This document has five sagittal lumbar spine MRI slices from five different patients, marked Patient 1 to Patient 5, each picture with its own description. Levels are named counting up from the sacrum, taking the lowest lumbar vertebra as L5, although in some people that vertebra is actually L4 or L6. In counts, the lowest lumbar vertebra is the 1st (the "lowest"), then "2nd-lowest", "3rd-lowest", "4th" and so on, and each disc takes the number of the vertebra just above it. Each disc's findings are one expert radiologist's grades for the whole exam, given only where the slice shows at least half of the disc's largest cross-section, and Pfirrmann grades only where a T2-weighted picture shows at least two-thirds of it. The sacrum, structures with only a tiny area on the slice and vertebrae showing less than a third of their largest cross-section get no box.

Patient 1 of 5:
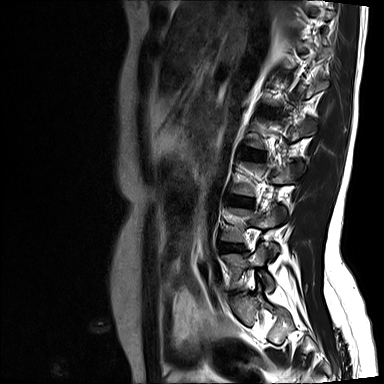 MRI lumbar spine (T2-weighted), sagittal plane. Patient sex: F.
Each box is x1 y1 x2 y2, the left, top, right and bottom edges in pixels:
L4/L5 = 218 242 241 250.
L5 = 225 245 274 285.
L4 = 222 208 281 261.
Disc L3/L4 = 229 196 251 205.

Patient 2 of 5:
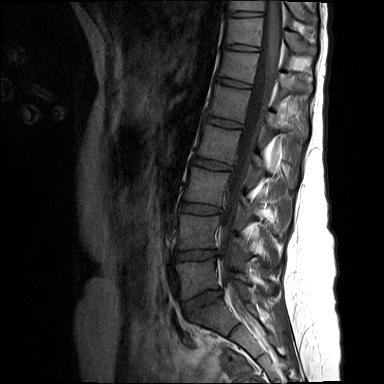 T1-weighted sagittal MRI of the lumbar spine, Slice 9 of 15
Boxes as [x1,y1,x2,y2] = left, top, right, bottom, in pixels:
L4 (2nd-lowest vertebra) at [178,214,251,254], spinal canal at [219,0,282,311], L1 (5th vertebra) at [210,84,307,141], L2 (4th vertebra) at [197,124,298,188], L4/L5 (2nd-lowest disc) at [175,250,216,260], intervertebral disc L5/S1 (lowest disc) at [183,291,220,315], L3 (3rd-lowest vertebra) at [184,167,254,215], intervertebral disc T12/L1 (6th disc) at [217,78,251,88], intervertebral disc T11/T12 (7th disc) at [224,44,258,51], T10 (8th vertebra) at [229,0,312,21], T12 (6th vertebra) at [220,51,311,93], L5 (lowest vertebra) at [176,259,250,299], L2/L3 (4th disc) at [192,157,229,170], intervertebral disc T10/T11 (8th disc) at [230,12,262,16], L3/L4 (3rd-lowest disc) at [181,202,220,214], L1/L2 (5th disc) at [205,117,241,128], T11 (7th vertebra) at [225,18,316,56].

Per-level radiological findings:
  T11/T12 (7th disc), L4/L5 (2nd-lowest disc), L1/L2 (5th disc), T10/T11 (8th disc), T12/L1 (6th disc), L2/L3 (4th disc), L5/S1 (lowest disc), L3/L4 (3rd-lowest disc): no herniation, bulging, narrowing, spondylolisthesis, endplate or Modic change recorded

Patient 3 of 5:
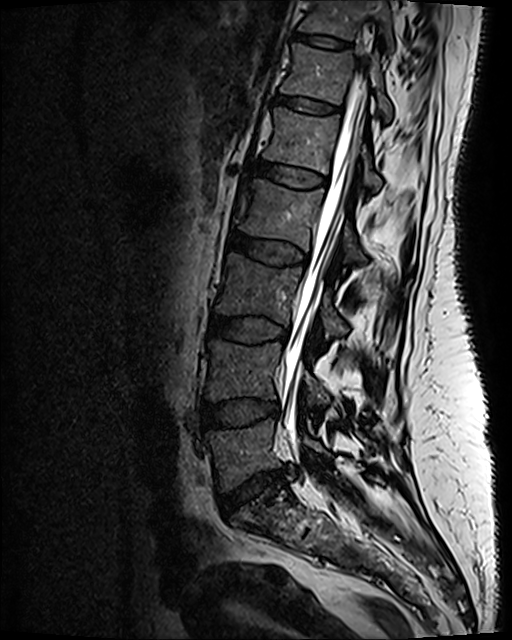 512x640 px. Slice spacing 0.9 mm. T2 SPACE (3D) sagittal MRI of the lumbar spine. Slice 69/120.
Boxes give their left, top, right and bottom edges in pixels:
L2/L3: left=228, top=232, right=308, bottom=263.
L2 vertebra: left=234, top=179, right=363, bottom=259.
Intervertebral disc T11/T12: left=292, top=33, right=351, bottom=48.
L1/L2: left=251, top=160, right=327, bottom=187.
Thecal sac / spinal canal: left=282, top=69, right=368, bottom=462.
L5: left=205, top=420, right=376, bottom=490.
T12: left=281, top=44, right=392, bottom=120.
Intervertebral disc L4/L5: left=203, top=401, right=279, bottom=426.
L5/S1: left=222, top=473, right=285, bottom=508.
Intervertebral disc L3/L4: left=208, top=315, right=287, bottom=342.
T11 vertebra: left=296, top=0, right=396, bottom=51.
L3: left=216, top=254, right=346, bottom=337.
T12/L1: left=275, top=94, right=339, bottom=113.
L1 vertebra: left=263, top=108, right=381, bottom=189.
L4: left=205, top=340, right=329, bottom=403.

Per-level radiological findings:
- L5/S1: Pfirrmann grade 3, disc narrowing, upper-endplate change, disc herniation, lower-endplate change
- T12/L1: Pfirrmann grade 2
- T11/T12: Pfirrmann grade 2
- L3/L4: Pfirrmann grade 3
- L2/L3: Pfirrmann grade 3, disc bulging
- L1/L2: Pfirrmann grade 2
- L4/L5: Pfirrmann grade 3, disc bulging

Patient 4 of 5:
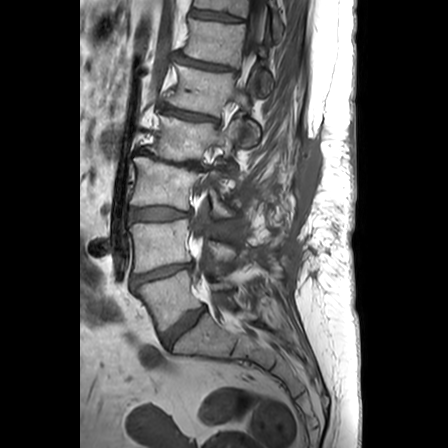 448x448 px; Sagittal T1-weighted lumbar spine MRI

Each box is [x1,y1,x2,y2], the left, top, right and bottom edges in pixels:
L1 vertebra: [168,64,259,146] | IVD L3/L4: [129,207,189,220] | spinal canal: [192,0,265,263] | L4/L5: [131,263,192,285] | L3: [130,157,238,217] | L5/S1: [161,307,205,347] | L2 vertebra: [146,116,241,173] | T11: [194,0,282,37] | L4: [128,219,235,273] | L5 vertebra: [135,270,236,330] | T12: [183,19,272,95] | IVD T12/L1: [176,54,233,71] | T11/T12: [192,10,239,21] | IVD L2/L3: [136,149,203,169] | IVD L1/L2: [161,104,216,121]

Per-level radiological findings:
• T12/L1: disc narrowing
• L1/L2: Modic type II, disc narrowing
• L3/L4: disc bulging
• L4/L5: disc narrowing, disc bulging
• L5/S1: disc bulging
• T11/T12: no Modic or endplate change, herniation, narrowing, bulging or spondylolisthesis recorded

Patient 5 of 5:
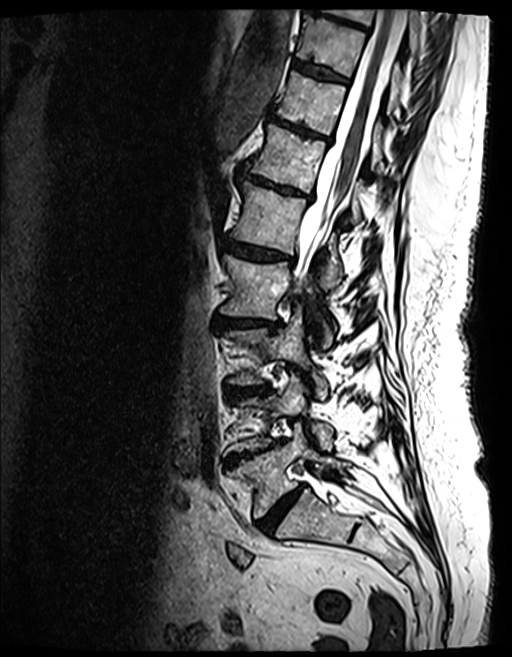 Sagittal T2 SPACE (3D) lumbar spine MRI; Sagittal slice index 60
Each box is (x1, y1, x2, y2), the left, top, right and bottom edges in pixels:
L4 vertebra — (228, 375, 332, 451).
L2/L3 — (215, 316, 277, 329).
T11 — (276, 72, 392, 164).
IVD T11/T12 — (269, 113, 330, 142).
IVD T9/T10 — (309, 2, 367, 30).
L5/S1 — (260, 486, 303, 533).
L1 vertebra — (231, 181, 341, 287).
L3 — (224, 310, 326, 398).
L5 — (230, 424, 347, 518).
IVD L1/L2 — (226, 241, 288, 260).
T9 — (327, 8, 425, 52).
T10 — (297, 15, 402, 101).
Thecal sac / spinal canal — (292, 9, 405, 292).
L3/L4 — (230, 385, 269, 394).
T12 vertebra — (246, 125, 360, 223).
IVD L4/L5 — (226, 440, 282, 464).
T12/L1 — (239, 167, 310, 197).
IVD T10/T11 — (293, 60, 348, 83).
L2 vertebra — (222, 254, 333, 347).

Radiological gradings:
  T9/T10: Pfirrmann grade 4, disc bulging, lower-endplate change, upper-endplate change, Modic type II
  L1/L2: Pfirrmann grade 4, disc narrowing, Modic type II, disc bulging, upper-endplate change, lower-endplate change
  L2/L3: Pfirrmann grade 4, upper-endplate change, lower-endplate change, disc narrowing, disc bulging, Modic type II
  T10/T11: Pfirrmann grade 4, upper-endplate change, Modic type II, lower-endplate change
  T11/T12: Pfirrmann grade 5, Modic type II, upper-endplate change, lower-endplate change, disc bulging, disc narrowing
  T12/L1: Pfirrmann grade 4, Modic type II, upper-endplate change, lower-endplate change, disc bulging, disc narrowing
  L5/S1: Pfirrmann grade 4, disc bulging, disc narrowing